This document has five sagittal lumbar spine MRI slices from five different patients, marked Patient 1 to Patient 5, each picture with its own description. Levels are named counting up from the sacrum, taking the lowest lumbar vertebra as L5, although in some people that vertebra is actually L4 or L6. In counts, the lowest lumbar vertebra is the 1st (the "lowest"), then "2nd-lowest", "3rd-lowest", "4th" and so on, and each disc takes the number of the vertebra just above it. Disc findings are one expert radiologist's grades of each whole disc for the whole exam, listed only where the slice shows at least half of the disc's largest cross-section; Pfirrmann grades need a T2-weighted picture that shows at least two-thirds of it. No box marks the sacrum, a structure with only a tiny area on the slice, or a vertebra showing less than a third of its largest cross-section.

Patient 1 of 5:
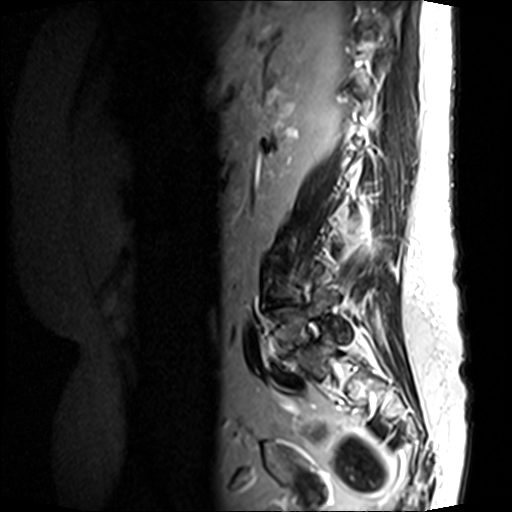 Slice spacing 4.8 mm; Lumbar spine MR, T2-weighted, sagittal
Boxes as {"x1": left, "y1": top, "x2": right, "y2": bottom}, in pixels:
Intervertebral disc L4/L5 (2nd-lowest disc) at {"x1": 268, "y1": 299, "x2": 292, "y2": 307}, L5/S1 (lowest disc) at {"x1": 282, "y1": 342, "x2": 309, "y2": 359}, L5 (lowest vertebra) at {"x1": 266, "y1": 306, "x2": 349, "y2": 353}.

Patient 2 of 5:
Image 618x793. Field of view 240x308 mm, slice spacing 0.9 mm. T2 SPACE (3D) sagittal MRI of the lumbar spine. 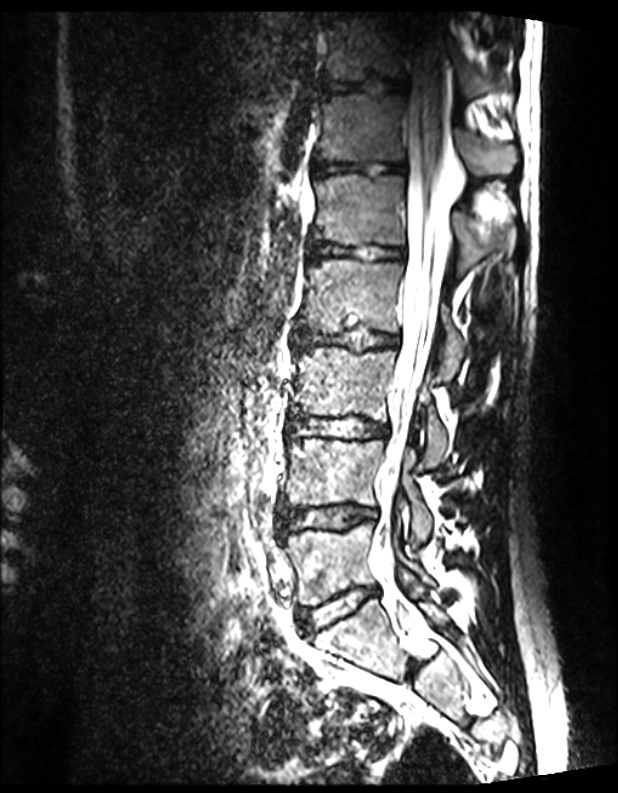

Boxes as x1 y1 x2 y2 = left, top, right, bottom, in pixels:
{"intervertebral disc L5/S1": "301 586 376 632", "L4 vertebra": "286 439 432 544", "L2/L3": "294 328 399 349", "L3 vertebra": "294 347 450 467", "intervertebral disc L1/L2": "306 239 405 260", "L5 vertebra": "284 521 432 606", "L1 vertebra": "315 174 514 278", "T11/T12": "321 80 404 91", "T12/L1": "313 160 405 176", "L4/L5": "281 506 376 531", "T12 vertebra": "320 93 515 176", "intervertebral disc L3/L4": "290 416 388 439", "L2": "300 259 463 380", "T11 vertebra": "324 14 511 96", "spinal canal": "372 26 451 553"}

Expert MSK radiologist gradings (per disc):
• L4/L5: Pfirrmann grade 1
• L3/L4: Pfirrmann grade 1
• L2/L3: Pfirrmann grade 1
• T12/L1: Pfirrmann grade 1
• T11/T12: Pfirrmann grade 1
• L1/L2: Pfirrmann grade 1
• L5/S1: no Modic or endplate change, herniation, narrowing, bulging or spondylolisthesis recorded

Patient 3 of 5:
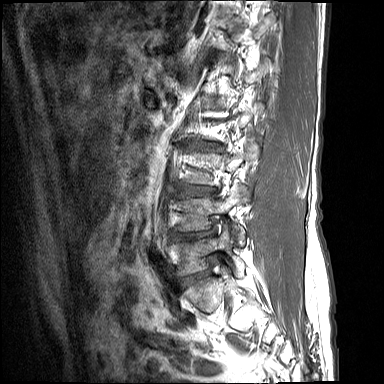 MRI lumbar spine (T1-weighted), sagittal plane.

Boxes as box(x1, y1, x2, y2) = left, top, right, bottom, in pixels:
- 3rd-lowest disc: box(178, 186, 218, 196)
- 2nd-lowest vertebra: box(171, 187, 250, 246)
- lowest disc: box(182, 272, 209, 285)
- 2nd-lowest disc: box(172, 227, 218, 242)
- lowest vertebra: box(167, 226, 245, 276)
- 4th disc: box(193, 141, 223, 150)

Patient 4 of 5:
Scanner: Philips Healthcare Ingenia (3T); Slice 13/24; Lumbar spine MR, T2-weighted, sagittal
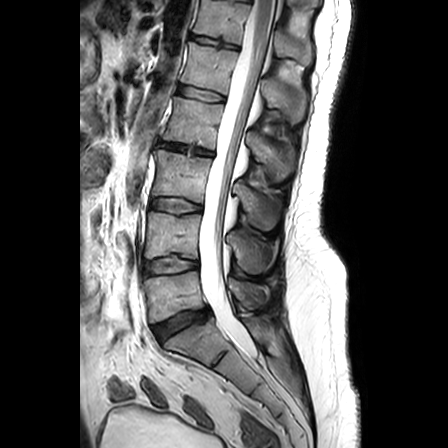

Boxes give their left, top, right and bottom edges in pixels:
T12 vertebra: left=194, top=0, right=312, bottom=65.
L4/L5: left=145, top=256, right=198, bottom=274.
T12/L1: left=192, top=34, right=237, bottom=48.
L3/L4: left=151, top=198, right=201, bottom=213.
L1 vertebra: left=181, top=42, right=304, bottom=123.
L4: left=145, top=212, right=272, bottom=272.
L2 vertebra: left=163, top=97, right=293, bottom=180.
L1/L2: left=178, top=85, right=223, bottom=101.
Thecal sac / spinal canal: left=199, top=0, right=274, bottom=348.
L5 vertebra: left=143, top=270, right=269, bottom=322.
L2/L3: left=160, top=142, right=212, bottom=155.
Disc L5/S1: left=153, top=309, right=209, bottom=341.
L3: left=152, top=150, right=280, bottom=229.

Radiological gradings:
• T12/L1: Pfirrmann grade 2, upper-endplate change, lower-endplate change
• L4/L5: Pfirrmann grade 2, lower-endplate change
• L5/S1: Pfirrmann grade 3, disc herniation
• L3/L4: Pfirrmann grade 2, upper-endplate change
• L2/L3: Pfirrmann grade 4, disc bulging, lower-endplate change, disc narrowing, upper-endplate change
• L1/L2: Pfirrmann grade 1

Patient 5 of 5:
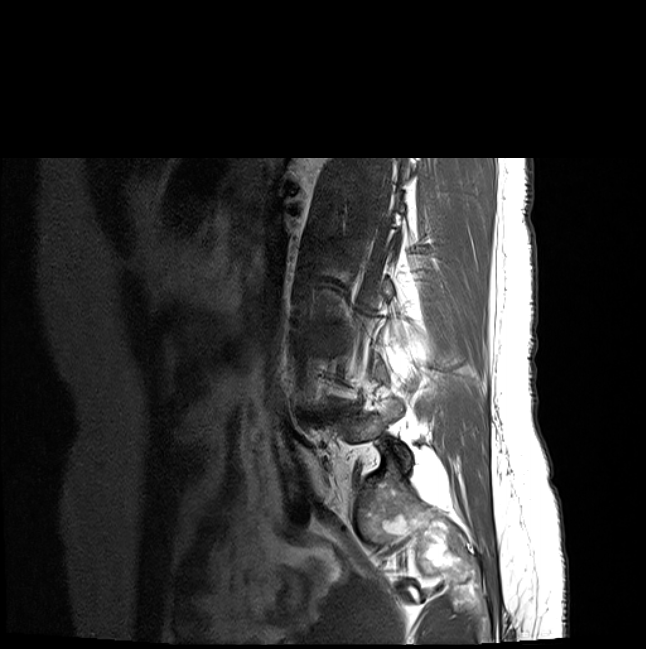 Sagittal T1-weighted lumbar spine MRI.
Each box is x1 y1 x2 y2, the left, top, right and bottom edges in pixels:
2nd-lowest disc: 310 406 352 417 | 3rd-lowest disc: 323 335 337 341